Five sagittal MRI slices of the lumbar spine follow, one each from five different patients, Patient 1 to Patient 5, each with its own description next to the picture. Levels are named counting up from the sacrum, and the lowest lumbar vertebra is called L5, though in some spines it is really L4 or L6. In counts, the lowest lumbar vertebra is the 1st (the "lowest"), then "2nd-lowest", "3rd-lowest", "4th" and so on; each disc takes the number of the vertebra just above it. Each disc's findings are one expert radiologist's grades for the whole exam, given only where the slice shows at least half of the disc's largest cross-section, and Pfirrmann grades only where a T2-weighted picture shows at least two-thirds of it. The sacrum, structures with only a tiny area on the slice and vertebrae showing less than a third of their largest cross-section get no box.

Patient 1 of 5:
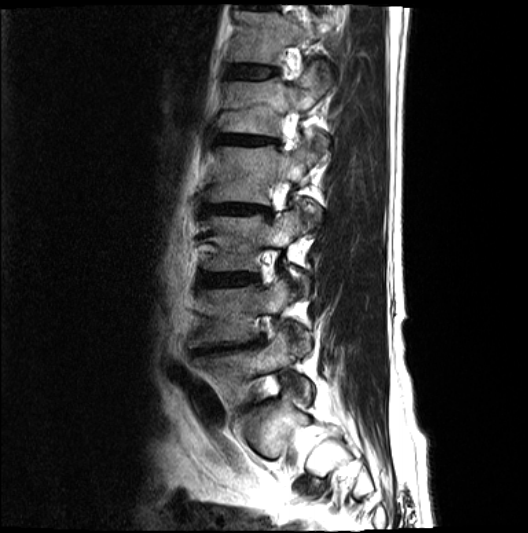 Slice 13/18 | Slice spacing 4.8 mm | Sex M | Lumbar spine MR, T2-weighted, sagittal

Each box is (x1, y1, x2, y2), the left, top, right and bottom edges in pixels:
4th vertebra = (201, 143, 321, 221) | 6th disc = (230, 66, 278, 78) | 2nd-lowest vertebra = (188, 279, 310, 351) | 5th disc = (217, 135, 278, 144) | 2nd-lowest disc = (194, 342, 256, 353) | 6th vertebra = (230, 13, 328, 65) | 4th disc = (199, 205, 268, 214) | 5th vertebra = (223, 69, 328, 149) | 3rd-lowest disc = (201, 274, 257, 286) | lowest vertebra = (194, 331, 311, 407) | 3rd-lowest vertebra = (202, 212, 307, 292)

Degenerative findings by level:
• 6th disc: Pfirrmann grade 3
• 2nd-lowest disc: Pfirrmann grade 5, Modic type II, lower-endplate change, disc narrowing, disc bulging, upper-endplate change
• 4th disc: Pfirrmann grade 5, lower-endplate change, disc bulging, disc narrowing, upper-endplate change, Modic type II
• 5th disc: Pfirrmann grade 5, disc narrowing, upper-endplate change, disc bulging, Modic type II, lower-endplate change
• 3rd-lowest disc: Pfirrmann grade 4, disc narrowing, disc bulging, Modic type II

Patient 2 of 5:
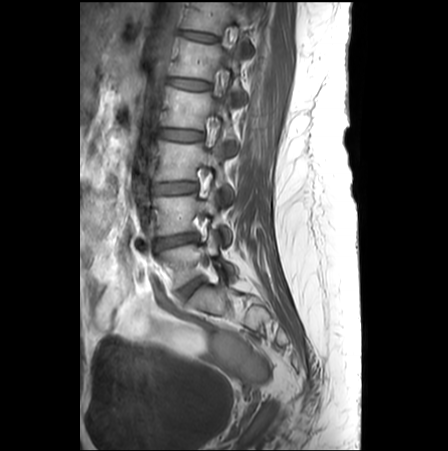
Field of view 280x282 mm, slice spacing 3.3 mm; Sagittal T1-weighted lumbar spine MRI; Sagittal slice index 8; Sex F

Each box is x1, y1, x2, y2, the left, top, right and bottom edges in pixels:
L4/L5 at 156, 233, 197, 248; L4 at 153, 190, 231, 245; disc L1/L2 at 168, 77, 209, 89; L3/L4 at 153, 182, 197, 194; T12/L1 at 181, 30, 217, 41; L3 at 155, 140, 233, 202; L1 vertebra at 172, 38, 248, 103; T12 at 184, 2, 250, 34; L5 at 159, 230, 234, 287; L5/S1 at 177, 276, 204, 298; L2 at 162, 86, 237, 152; L2/L3 at 160, 129, 202, 140.

Radiological gradings:
  L4/L5: disc narrowing
  L1/L2: lower-endplate change, upper-endplate change, Modic type II
  L2/L3, L3/L4, T12/L1: no herniation, bulging, narrowing, spondylolisthesis, endplate or Modic change recorded

Patient 3 of 5:
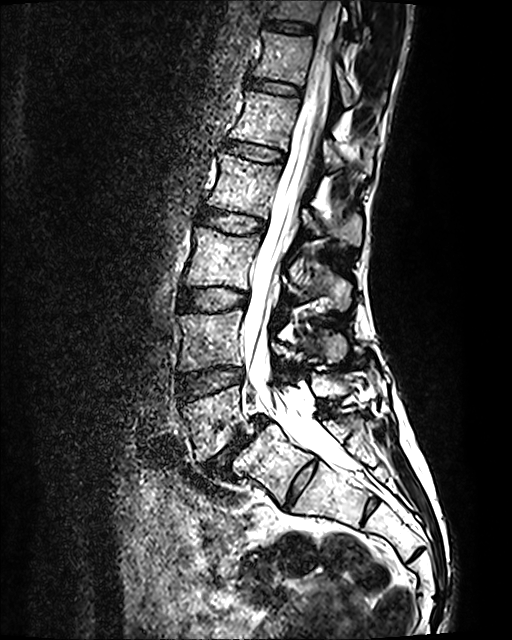
MRI lumbar spine (T2 SPACE (3D)), sagittal plane, Field of view 240x300 mm, Image 512x640, Slice 67 of 120
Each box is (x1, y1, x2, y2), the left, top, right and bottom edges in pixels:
Annotations:
- intervertebral disc T12/L1 — (247, 78, 299, 94)
- L2 vertebra — (206, 153, 363, 246)
- intervertebral disc L4/L5 — (177, 367, 243, 402)
- L1/L2 — (226, 141, 284, 162)
- intervertebral disc L2/L3 — (199, 209, 264, 233)
- thecal sac / spinal canal — (241, 0, 352, 470)
- L3/L4 — (179, 288, 247, 310)
- T12 vertebra — (253, 31, 386, 106)
- intervertebral disc T11/T12 — (264, 20, 314, 32)
- L1 — (230, 90, 372, 174)
- intervertebral disc L5/S1 — (201, 416, 269, 476)
- L5 vertebra — (181, 374, 362, 462)
- T11 vertebra — (268, 0, 358, 35)
- L3 — (183, 228, 350, 310)
- L4 vertebra — (178, 309, 340, 371)

Radiological gradings:
  L4/L5: Pfirrmann grade 2
  T12/L1: Pfirrmann grade 2
  L5/S1: Pfirrmann grade 5, disc narrowing, disc bulging, Modic type II, spondylolisthesis
  L3/L4: Pfirrmann grade 2
  L1/L2: Pfirrmann grade 2
  L2/L3: Pfirrmann grade 2
  T11/T12: Pfirrmann grade 2

Patient 4 of 5:
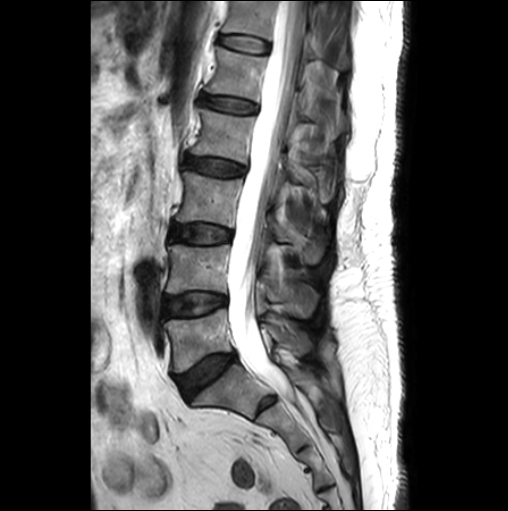 Slice 13/26 | T2-weighted sagittal MRI of the lumbar spine

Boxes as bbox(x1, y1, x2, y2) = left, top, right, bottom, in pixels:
Annotations:
• L1 (5th vertebra) at bbox(205, 47, 345, 139)
• IVD L2/L3 (4th disc) at bbox(185, 157, 244, 176)
• IVD L4/L5 (2nd-lowest disc) at bbox(165, 293, 226, 316)
• spinal canal at bbox(227, 1, 304, 391)
• L1/L2 (5th disc) at bbox(201, 95, 255, 112)
• L3 (3rd-lowest vertebra) at bbox(176, 171, 324, 263)
• IVD L5/S1 (lowest disc) at bbox(176, 353, 235, 398)
• L2 (4th vertebra) at bbox(192, 108, 329, 199)
• T12 (6th vertebra) at bbox(222, 1, 346, 67)
• L3/L4 (3rd-lowest disc) at bbox(171, 225, 230, 243)
• IVD T12/L1 (6th disc) at bbox(219, 35, 269, 52)
• L5 (lowest vertebra) at bbox(165, 309, 310, 372)
• L4 (2nd-lowest vertebra) at bbox(167, 245, 317, 316)

Expert MSK radiologist gradings (per disc):
- L4/L5 (2nd-lowest disc): Pfirrmann grade 2, Modic type II
- L5/S1 (lowest disc): Pfirrmann grade 3, Modic type II, disc bulging
- L1/L2 (5th disc): Pfirrmann grade 2
- L2/L3 (4th disc): Pfirrmann grade 3
- L3/L4 (3rd-lowest disc): Pfirrmann grade 2
- T12/L1 (6th disc): Pfirrmann grade 1

Patient 5 of 5:
559x578 px; Slice 30 of 50; Slice spacing 3.3 mm; Sagittal T2-weighted lumbar spine MRI
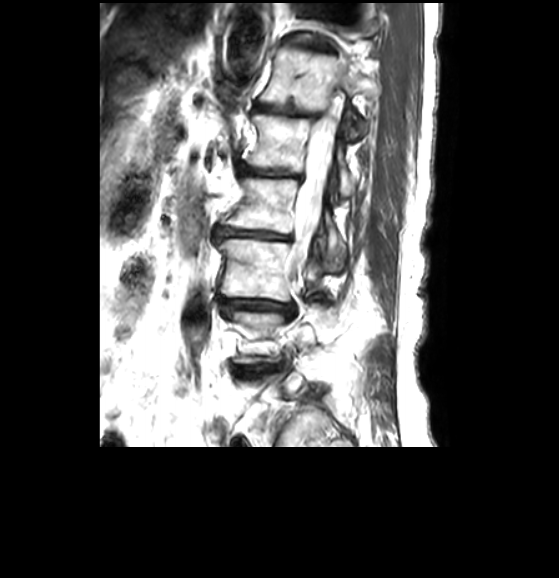 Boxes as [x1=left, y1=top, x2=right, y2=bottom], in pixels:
3rd-lowest vertebra at [x1=218, y1=237, x2=319, y2=300], 6th disc at [x1=256, y1=105, x2=316, y2=117], 2nd-lowest disc at [x1=237, y1=363, x2=284, y2=376], 5th vertebra at [x1=247, y1=114, x2=354, y2=194], 6th vertebra at [x1=260, y1=49, x2=371, y2=137], 4th disc at [x1=216, y1=227, x2=292, y2=241], 5th disc at [x1=240, y1=165, x2=299, y2=178], spinal canal at [x1=288, y1=101, x2=341, y2=277], 4th vertebra at [x1=221, y1=177, x2=344, y2=269], 3rd-lowest disc at [x1=220, y1=296, x2=292, y2=313], 7th disc at [x1=290, y1=42, x2=330, y2=52].

Degenerative findings by level:
- 3rd-lowest disc: Pfirrmann grade 3, disc bulging, disc narrowing
- 7th disc: disc narrowing
- 4th disc: disc bulging, disc narrowing